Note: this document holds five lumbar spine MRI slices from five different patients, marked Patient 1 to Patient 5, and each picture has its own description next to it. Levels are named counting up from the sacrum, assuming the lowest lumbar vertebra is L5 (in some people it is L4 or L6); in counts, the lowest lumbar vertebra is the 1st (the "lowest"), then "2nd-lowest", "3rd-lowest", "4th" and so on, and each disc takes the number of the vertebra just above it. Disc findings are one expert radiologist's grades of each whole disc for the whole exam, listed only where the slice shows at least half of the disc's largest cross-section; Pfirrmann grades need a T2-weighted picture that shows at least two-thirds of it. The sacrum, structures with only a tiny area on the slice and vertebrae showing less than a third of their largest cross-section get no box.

Patient 1 of 5:
Lumbar spine MR, T1-weighted, sagittal. Field of view 280x282 mm, slice spacing 3.3 mm. 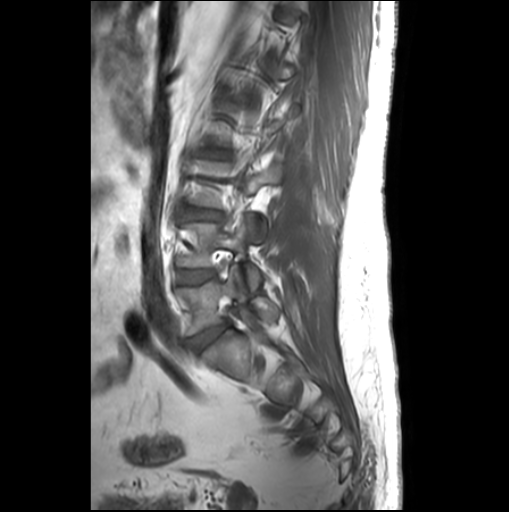
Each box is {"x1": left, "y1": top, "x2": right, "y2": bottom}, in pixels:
Lowest vertebra at {"x1": 177, "y1": 268, "x2": 278, "y2": 335}, 2nd-lowest vertebra at {"x1": 181, "y1": 218, "x2": 260, "y2": 290}, 2nd-lowest disc at {"x1": 179, "y1": 270, "x2": 214, "y2": 283}, 3rd-lowest disc at {"x1": 185, "y1": 207, "x2": 222, "y2": 220}, lowest disc at {"x1": 188, "y1": 323, "x2": 228, "y2": 352}, 4th disc at {"x1": 200, "y1": 148, "x2": 230, "y2": 158}.

Patient 2 of 5:
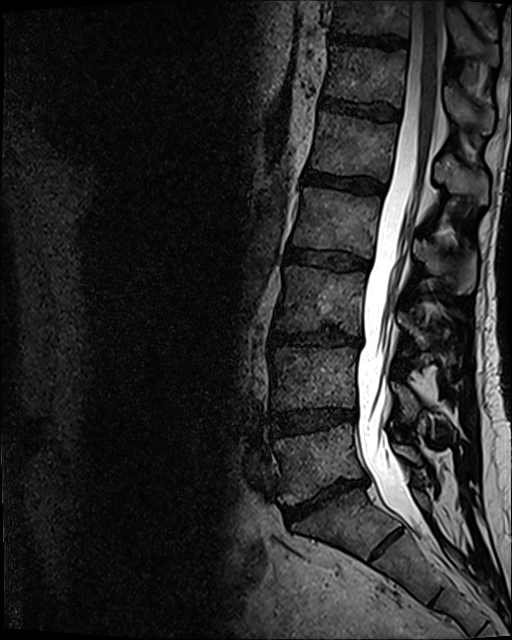 Sex M | MRI lumbar spine (T2 SPACE (3D)), sagittal plane
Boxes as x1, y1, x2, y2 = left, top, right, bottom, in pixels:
Thecal sac / spinal canal: 357, 1, 442, 532.
T11 (7th vertebra): 332, 0, 500, 66.
T12 (6th vertebra): 324, 45, 494, 135.
Intervertebral disc L1/L2 (5th disc): 304, 169, 383, 194.
L5/S1 (lowest disc): 283, 476, 367, 520.
Intervertebral disc T11/T12 (7th disc): 329, 33, 404, 49.
Intervertebral disc L2/L3 (4th disc): 288, 249, 368, 270.
L5 (lowest vertebra): 275, 424, 421, 504.
Intervertebral disc T12/L1 (6th disc): 321, 97, 399, 119.
Intervertebral disc L4/L5 (2nd-lowest disc): 272, 408, 356, 434.
L1 (5th vertebra): 311, 111, 488, 206.
L2 (4th vertebra): 293, 187, 475, 294.
L3 (3rd-lowest vertebra): 277, 265, 454, 363.
L4 (2nd-lowest vertebra): 271, 347, 419, 421.
L3/L4 (3rd-lowest disc): 273, 329, 361, 347.

Radiological gradings:
- L2/L3 (4th disc): Pfirrmann grade 3, disc bulging
- L3/L4 (3rd-lowest disc): Pfirrmann grade 4, lower-endplate change, disc bulging, disc narrowing
- L5/S1 (lowest disc): Pfirrmann grade 5, disc bulging, disc narrowing, Modic type II
- T12/L1 (6th disc): Pfirrmann grade 3
- L1/L2 (5th disc): Pfirrmann grade 4
- T11/T12 (7th disc): Pfirrmann grade 4
- L4/L5 (2nd-lowest disc): Pfirrmann grade 3, disc narrowing, disc bulging

Patient 3 of 5:
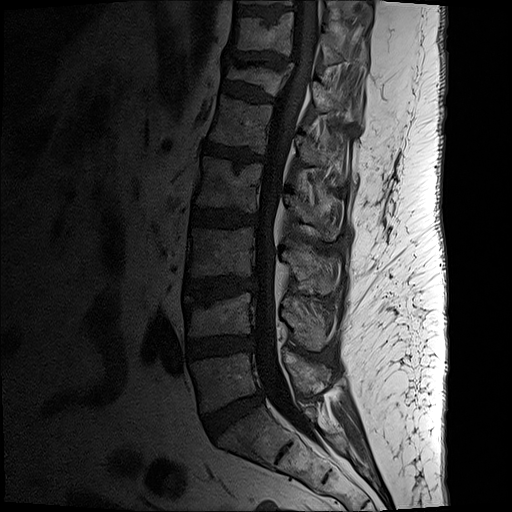 Slice 9 of 19, Sagittal T1-weighted lumbar spine MRI, Sex M

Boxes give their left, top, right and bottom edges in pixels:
Segmented structures:
* L4 (2nd-lowest vertebra) = left=182, top=293, right=331, bottom=350
* L5/S1 (lowest disc) = left=203, top=391, right=264, bottom=437
* L2 (4th vertebra) = left=196, top=159, right=338, bottom=240
* T11/T12 (7th disc) = left=233, top=54, right=292, bottom=66
* L3/L4 (3rd-lowest disc) = left=185, top=279, right=256, bottom=299
* IVD L1/L2 (5th disc) = left=203, top=144, right=264, bottom=167
* T12/L1 (6th disc) = left=222, top=82, right=275, bottom=104
* L3 (3rd-lowest vertebra) = left=189, top=228, right=332, bottom=294
* L4/L5 (2nd-lowest disc) = left=187, top=338, right=253, bottom=357
* T12 (6th vertebra) = left=226, top=67, right=362, bottom=123
* spinal canal = left=254, top=1, right=320, bottom=439
* L1 (5th vertebra) = left=209, top=97, right=344, bottom=184
* L5 (lowest vertebra) = left=192, top=348, right=329, bottom=412
* T10/T11 (8th disc) = left=238, top=9, right=289, bottom=17
* T11 (7th vertebra) = left=230, top=13, right=367, bottom=66
* L2/L3 (4th disc) = left=193, top=209, right=257, bottom=228

Radiological gradings:
  L5/S1 (lowest disc): disc bulging
  T11/T12 (7th disc): disc bulging, upper-endplate change, disc narrowing, lower-endplate change
  L2/L3 (4th disc): disc bulging, lower-endplate change
  L3/L4 (3rd-lowest disc): Modic type II, upper-endplate change, disc bulging, lower-endplate change
  L1/L2 (5th disc): disc narrowing, lower-endplate change, Modic type II, disc bulging, upper-endplate change
  T12/L1 (6th disc): upper-endplate change, disc bulging, lower-endplate change, spondylolisthesis
  L4/L5 (2nd-lowest disc): disc bulging, disc narrowing

Patient 4 of 5:
Lumbar spine MR, T2-weighted, sagittal; Image 427x424

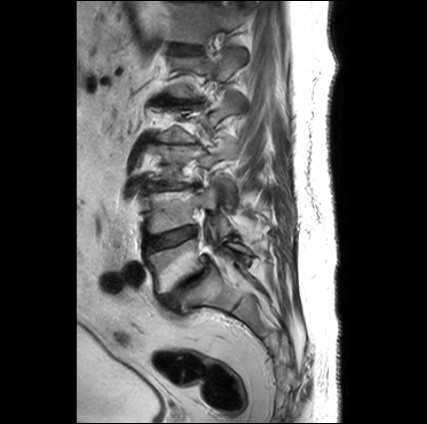
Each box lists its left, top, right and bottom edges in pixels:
Segmented structures:
- L5: left=145, top=239, right=250, bottom=294
- intervertebral disc L3/L4: left=147, top=183, right=197, bottom=191
- L1: left=167, top=48, right=244, bottom=97
- L5/S1: left=160, top=256, right=209, bottom=310
- L1/L2: left=157, top=97, right=199, bottom=103
- L3 vertebra: left=147, top=141, right=236, bottom=183
- intervertebral disc T12/L1: left=170, top=44, right=201, bottom=53
- intervertebral disc L4/L5: left=143, top=227, right=195, bottom=252
- L4 vertebra: left=140, top=182, right=232, bottom=236
- T12 vertebra: left=168, top=1, right=243, bottom=43

Radiological gradings:
- L5/S1: Pfirrmann grade 5, disc bulging, lower-endplate change, Modic type II, spondylolisthesis, disc narrowing, upper-endplate change
- L4/L5: Pfirrmann grade 3, Modic type II
- L1/L2: Pfirrmann grade 5, disc bulging, Modic type II, disc herniation, disc narrowing, lower-endplate change, upper-endplate change
- L3/L4: disc narrowing, upper-endplate change, lower-endplate change, Modic type II, disc bulging
- T12/L1: no Modic or endplate change, herniation, narrowing, bulging or spondylolisthesis recorded

Patient 5 of 5:
Lumbar spine MR, T1-weighted, sagittal, Patient sex: F 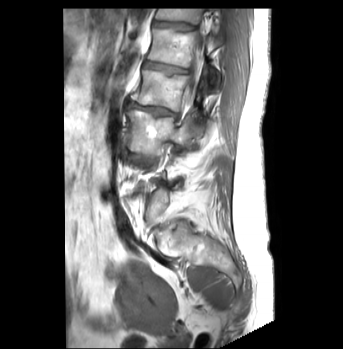

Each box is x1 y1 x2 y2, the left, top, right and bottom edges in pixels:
* L2 (4th vertebra) at 131 70 205 111
* spinal canal at 183 32 203 95
* T12/L1 (6th disc) at 153 21 195 30
* L2/L3 (4th disc) at 126 100 176 117
* L3 (3rd-lowest vertebra) at 127 110 201 155
* L1 (5th vertebra) at 147 28 222 90
* L1/L2 (5th disc) at 143 60 187 74
* L3/L4 (3rd-lowest disc) at 125 153 154 163
* T12 (6th vertebra) at 155 9 203 24

Per-level radiological findings:
- L3/L4 (3rd-lowest disc): Modic type II, disc bulging
- L1/L2 (5th disc): upper-endplate change
- T12/L1 (6th disc): upper-endplate change
- L2/L3 (4th disc): Modic type II, disc narrowing, disc bulging, lower-endplate change